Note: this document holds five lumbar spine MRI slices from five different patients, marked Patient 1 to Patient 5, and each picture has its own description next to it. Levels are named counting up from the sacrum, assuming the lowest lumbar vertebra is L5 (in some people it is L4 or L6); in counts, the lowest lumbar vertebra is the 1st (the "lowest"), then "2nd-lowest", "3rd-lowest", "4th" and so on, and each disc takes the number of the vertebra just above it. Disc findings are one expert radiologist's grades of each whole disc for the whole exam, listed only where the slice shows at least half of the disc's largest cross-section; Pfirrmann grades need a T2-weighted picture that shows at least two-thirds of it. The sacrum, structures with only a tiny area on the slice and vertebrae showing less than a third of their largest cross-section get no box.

Patient 1 of 5:
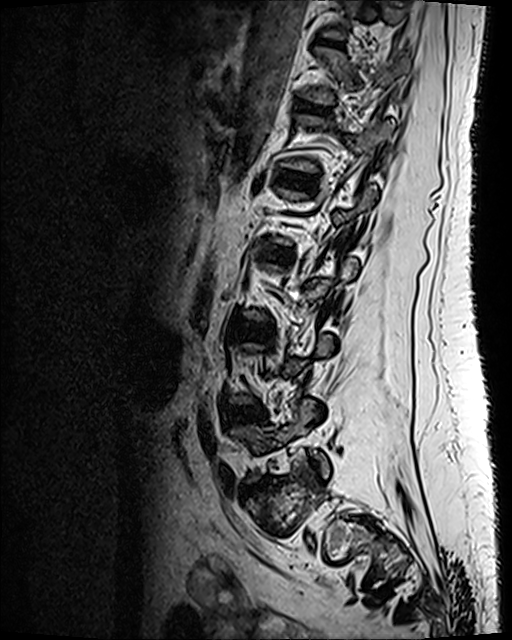

Patient sex: F, T2 SPACE (3D) sagittal MRI of the lumbar spine, Slice 38 of 120, Image 512x640

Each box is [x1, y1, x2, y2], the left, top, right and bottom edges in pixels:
6th disc: [300, 102, 328, 113] | lowest disc: [246, 481, 268, 489] | 7th disc: [316, 39, 342, 46] | 4th disc: [257, 244, 291, 258] | 5th disc: [280, 171, 315, 188] | 5th vertebra: [283, 115, 394, 173] | 3rd-lowest disc: [231, 323, 268, 339] | 6th vertebra: [299, 48, 408, 104] | 2nd-lowest disc: [224, 407, 264, 423] | lowest vertebra: [230, 399, 329, 482]

Patient 2 of 5:
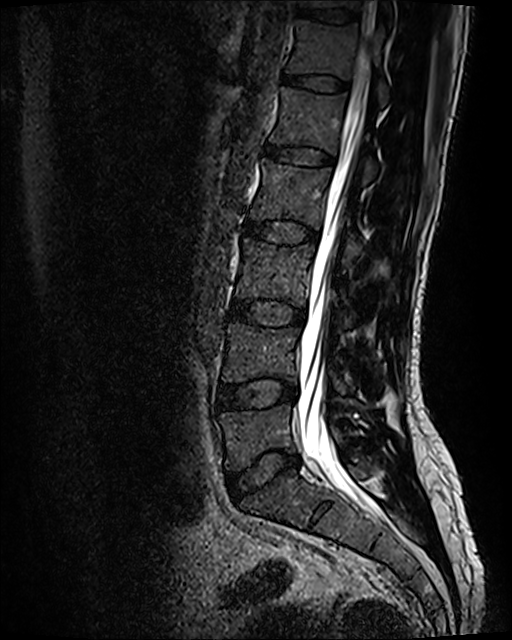

MRI lumbar spine (T2 SPACE (3D)), sagittal plane; 512x640 px
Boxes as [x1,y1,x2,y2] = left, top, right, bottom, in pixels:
Annotations:
- L2: [250,159,361,265]
- L5 vertebra: [219,404,344,470]
- disc L1/L2: [265,145,334,166]
- T11 vertebra: [298,0,394,22]
- L5/S1: [227,451,299,501]
- T11/T12: [297,7,357,24]
- disc L3/L4: [229,300,305,327]
- L2/L3: [242,219,318,244]
- L4 vertebra: [222,323,345,396]
- thecal sac / spinal canal: [299,45,369,503]
- L3: [235,237,355,331]
- L4/L5: [219,377,297,409]
- T12 vertebra: [287,20,388,106]
- T12/L1: [283,75,348,91]
- L1: [270,87,377,183]

Degenerative findings by level:
• L3/L4: Pfirrmann grade 2, disc bulging
• L4/L5: Pfirrmann grade 2, disc bulging
• L2/L3: Pfirrmann grade 2
• T11/T12: Pfirrmann grade 2
• L5/S1: Pfirrmann grade 2, disc bulging
• T12/L1: Pfirrmann grade 2
• L1/L2: Pfirrmann grade 2

Patient 3 of 5:
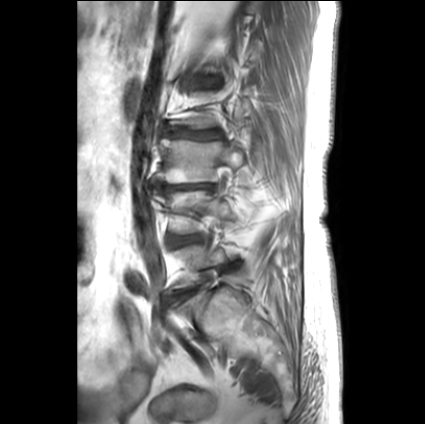

Lumbar spine MR, T1-weighted, sagittal | 425x424 px | Slice 6/27
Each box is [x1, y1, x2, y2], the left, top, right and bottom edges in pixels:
disc L2/L3 — [163, 127, 223, 139] | disc L3/L4 — [157, 183, 213, 191] | L3 vertebra — [158, 139, 244, 183] | disc L4/L5 — [171, 234, 200, 246] | disc L5/S1 — [169, 288, 196, 302]

Per-level radiological findings:
- L2/L3: disc bulging, lower-endplate change, upper-endplate change, disc narrowing
- L3/L4: upper-endplate change, disc bulging, lower-endplate change, Modic type II, disc narrowing

Patient 4 of 5:
Patient sex: F, Slice 14/41, Sagittal T1-weighted lumbar spine MRI, Field of view 280x289 mm, slice spacing 3.4 mm
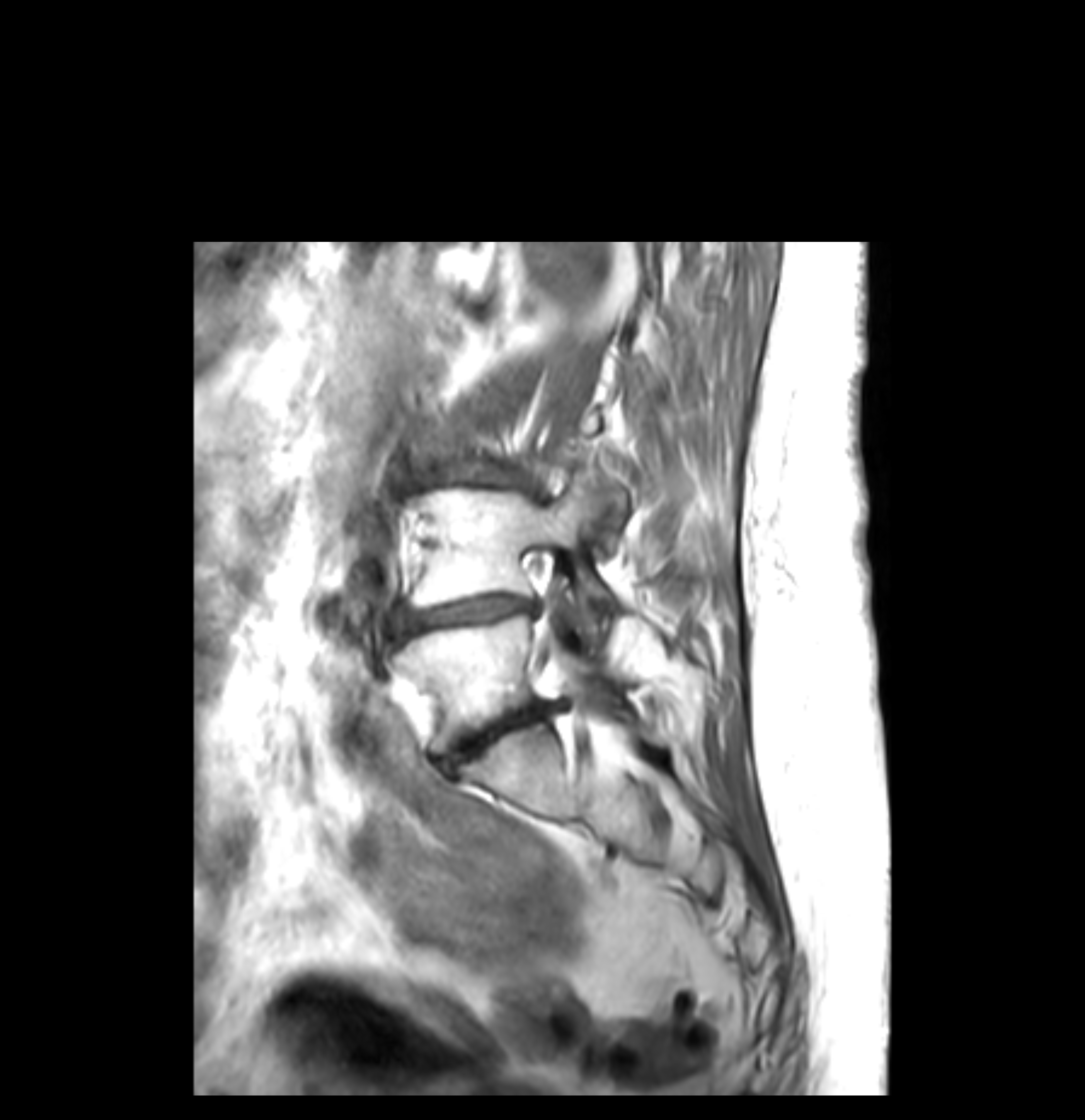

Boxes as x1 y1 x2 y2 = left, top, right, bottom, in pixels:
Segmented structures:
- 2nd-lowest vertebra: 412 485 610 629
- 2nd-lowest disc: 402 597 540 632
- lowest disc: 441 703 571 769
- lowest vertebra: 392 616 612 751

Radiological gradings:
  lowest disc: Modic type II, disc narrowing, lower-endplate change, disc herniation, upper-endplate change, disc bulging
  2nd-lowest disc: Modic type II, disc bulging, disc narrowing, upper-endplate change, lower-endplate change

Patient 5 of 5:
808x798 px, Lumbar spine MR, T1-weighted, sagittal
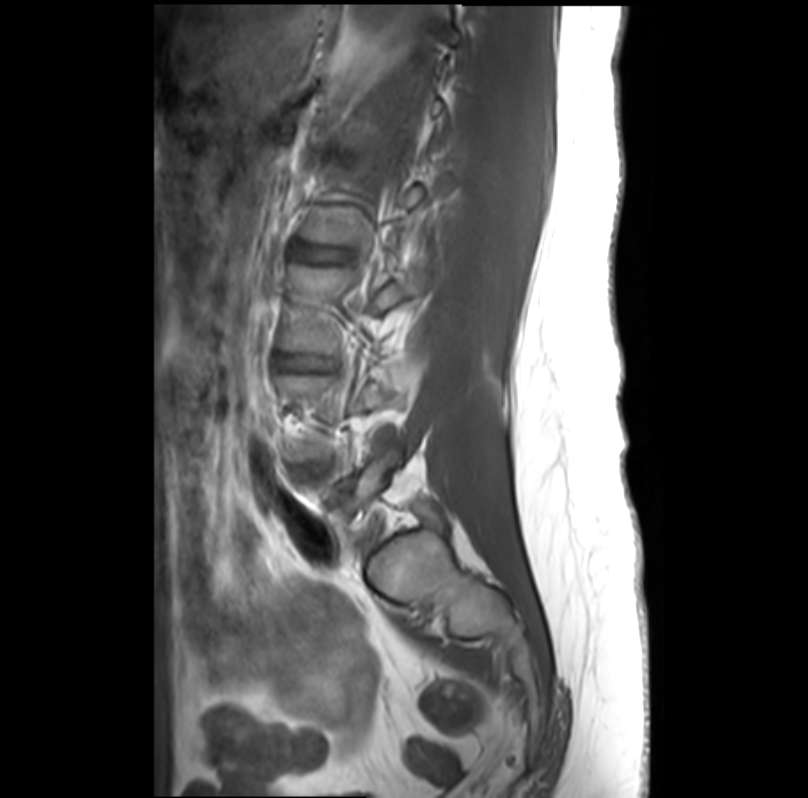

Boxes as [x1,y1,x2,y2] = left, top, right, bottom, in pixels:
Structures:
- 3rd-lowest vertebra — [284,265,425,352]
- 3rd-lowest disc — [281,356,332,367]
- 4th disc — [297,246,342,259]
- lowest vertebra — [310,439,398,516]
- 2nd-lowest disc — [297,463,326,471]